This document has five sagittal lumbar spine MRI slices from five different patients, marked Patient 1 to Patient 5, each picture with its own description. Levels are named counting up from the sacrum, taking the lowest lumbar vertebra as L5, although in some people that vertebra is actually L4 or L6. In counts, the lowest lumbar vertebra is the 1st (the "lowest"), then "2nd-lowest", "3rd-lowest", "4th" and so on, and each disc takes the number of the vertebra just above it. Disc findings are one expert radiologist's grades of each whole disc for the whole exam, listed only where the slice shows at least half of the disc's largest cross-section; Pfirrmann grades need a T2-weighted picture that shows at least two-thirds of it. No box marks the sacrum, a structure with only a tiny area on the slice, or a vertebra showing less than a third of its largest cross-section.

Patient 1 of 5:
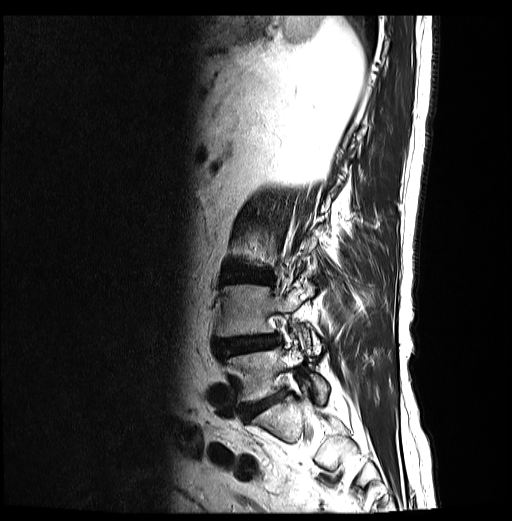
Slice 24/30; 512x521 px; MRI lumbar spine (T2-weighted), sagittal plane

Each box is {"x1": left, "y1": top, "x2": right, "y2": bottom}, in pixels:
3rd-lowest disc at {"x1": 222, "y1": 270, "x2": 271, "y2": 283}.
Lowest disc at {"x1": 243, "y1": 392, "x2": 284, "y2": 419}.
2nd-lowest vertebra at {"x1": 216, "y1": 284, "x2": 320, "y2": 354}.
Lowest vertebra at {"x1": 227, "y1": 341, "x2": 328, "y2": 404}.
2nd-lowest disc at {"x1": 215, "y1": 335, "x2": 281, "y2": 355}.

Expert MSK radiologist gradings (per disc):
- 2nd-lowest disc: Pfirrmann grade 4, lower-endplate change, upper-endplate change, disc bulging, spondylolisthesis, disc herniation, Modic type II, disc narrowing

Patient 2 of 5:
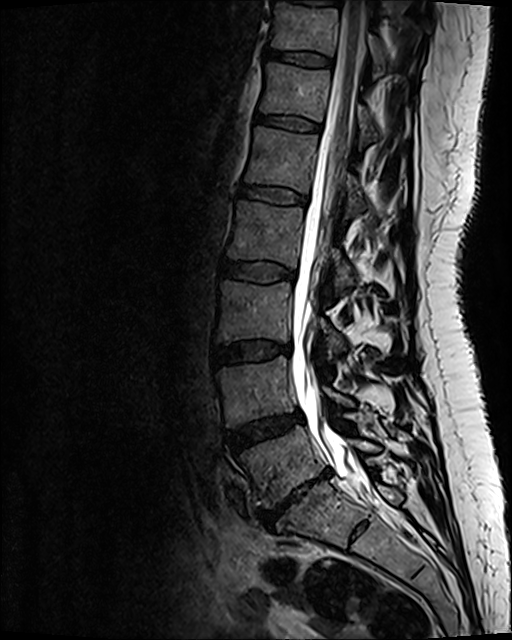 Lumbar spine MR, T2 SPACE (3D), sagittal; Field of view 240x300 mm; Slice 55 of 120

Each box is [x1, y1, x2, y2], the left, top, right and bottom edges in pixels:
Segmented structures:
• IVD L2/L3: [221, 260, 295, 282]
• L5 vertebra: [240, 425, 378, 507]
• T11: [272, 3, 385, 73]
• T12 vertebra: [261, 63, 377, 141]
• L1 vertebra: [246, 127, 364, 215]
• L1/L2: [239, 185, 306, 204]
• L3 vertebra: [217, 281, 344, 355]
• T11/T12: [266, 50, 331, 65]
• L2: [228, 202, 353, 292]
• IVD L4/L5: [227, 410, 301, 450]
• T12/L1: [257, 114, 320, 131]
• IVD L3/L4: [213, 341, 290, 365]
• L4: [218, 356, 352, 425]
• spinal canal: [290, 1, 375, 499]
• L5/S1: [257, 470, 330, 526]

Expert MSK radiologist gradings (per disc):
  L4/L5: Pfirrmann grade 3, disc bulging
  T12/L1: Pfirrmann grade 2
  L1/L2: Pfirrmann grade 2
  T11/T12: Pfirrmann grade 2
  L3/L4: Pfirrmann grade 2, disc bulging
  L2/L3: Pfirrmann grade 2
  L5/S1: Pfirrmann grade 5, Modic type III, upper-endplate change, disc bulging, lower-endplate change, disc herniation, disc narrowing

Patient 3 of 5:
Philips Healthcare Ingenia (3T) | T1-weighted sagittal MRI of the lumbar spine

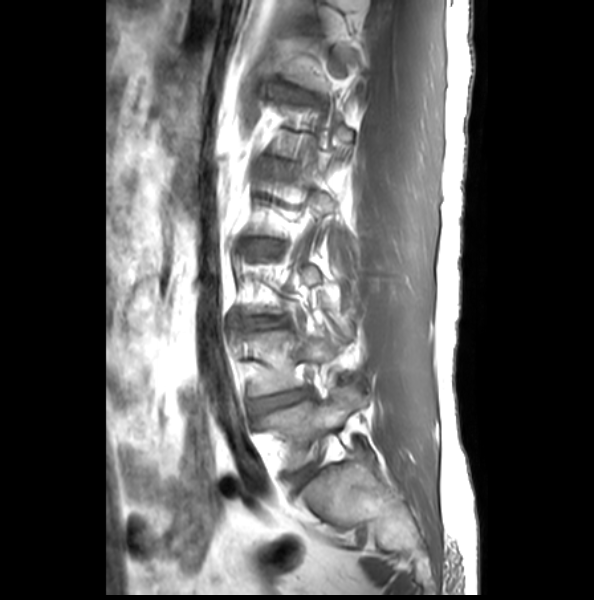
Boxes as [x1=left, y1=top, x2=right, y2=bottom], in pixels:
Intervertebral disc L4/L5: [x1=251, y1=389, x2=312, y2=413].
L5 vertebra: [x1=257, y1=386, x2=370, y2=469].
Intervertebral disc L3/L4: [x1=252, y1=317, x2=288, y2=327].
Intervertebral disc L5/S1: [x1=289, y1=464, x2=317, y2=489].
Intervertebral disc L2/L3: [x1=252, y1=240, x2=283, y2=254].

Radiological gradings:
- L4/L5: disc narrowing, lower-endplate change, disc bulging

Patient 4 of 5:
512x512 px, Lumbar spine MR, T1-weighted, sagittal, Slice 8/17, Slice spacing 3.3 mm 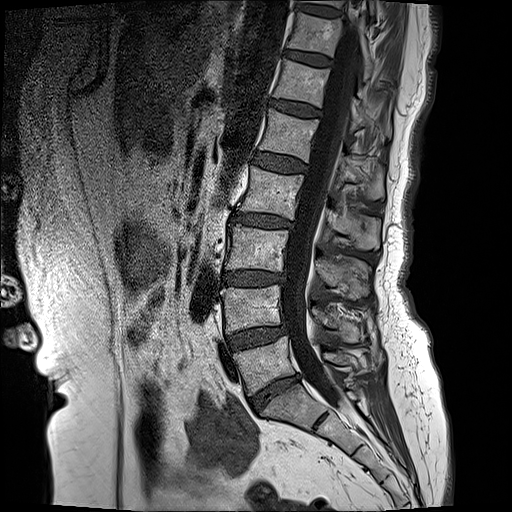 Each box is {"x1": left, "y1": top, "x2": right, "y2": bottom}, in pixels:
L5 vertebra: {"x1": 234, "y1": 337, "x2": 370, "y2": 395}
intervertebral disc T11/T12: {"x1": 286, "y1": 51, "x2": 332, "y2": 65}
intervertebral disc T10/T11: {"x1": 298, "y1": 3, "x2": 340, "y2": 16}
T11: {"x1": 287, "y1": 13, "x2": 374, "y2": 80}
spinal canal: {"x1": 283, "y1": 13, "x2": 358, "y2": 405}
L1: {"x1": 259, "y1": 109, "x2": 383, "y2": 200}
intervertebral disc L2/L3: {"x1": 231, "y1": 211, "x2": 290, "y2": 226}
L2: {"x1": 239, "y1": 166, "x2": 380, "y2": 249}
intervertebral disc L1/L2: {"x1": 252, "y1": 153, "x2": 306, "y2": 172}
intervertebral disc L3/L4: {"x1": 221, "y1": 271, "x2": 283, "y2": 284}
L5/S1: {"x1": 250, "y1": 376, "x2": 298, "y2": 412}
intervertebral disc L4/L5: {"x1": 227, "y1": 325, "x2": 286, "y2": 349}
intervertebral disc T12/L1: {"x1": 269, "y1": 99, "x2": 320, "y2": 117}
L3 vertebra: {"x1": 226, "y1": 225, "x2": 370, "y2": 300}
L4: {"x1": 221, "y1": 285, "x2": 362, "y2": 341}
T12 vertebra: {"x1": 273, "y1": 58, "x2": 391, "y2": 138}

Radiological gradings:
• L3/L4: Modic type II, disc bulging, lower-endplate change, upper-endplate change, disc narrowing
• L4/L5: disc bulging
• L2/L3: disc bulging, Modic type II, lower-endplate change, upper-endplate change, disc narrowing
• L5/S1: disc narrowing, disc bulging
• T12/L1: disc bulging
• L1/L2, T11/T12, T10/T11: no herniation, bulging, narrowing, spondylolisthesis, endplate or Modic change recorded

Patient 5 of 5:
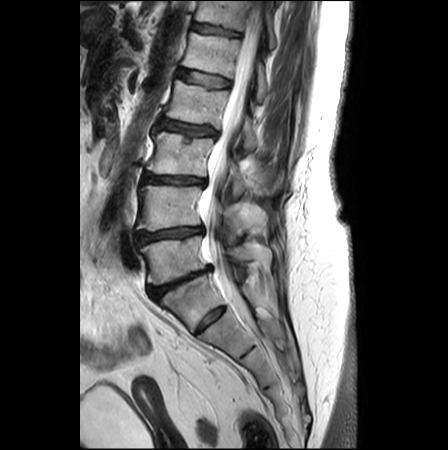 Image 448x450, Slice spacing 3.3 mm, Lumbar spine MR, T2-weighted, sagittal
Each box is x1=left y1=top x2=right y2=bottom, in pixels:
T12 at x1=195 y1=1 x2=275 y2=48, L4/L5 at x1=136 y1=226 x2=202 y2=244, L3/L4 at x1=143 y1=173 x2=204 y2=185, L1 at x1=182 y1=32 x2=269 y2=102, L3 vertebra at x1=146 y1=131 x2=282 y2=199, L4 vertebra at x1=137 y1=186 x2=248 y2=235, thecal sac / spinal canal at x1=202 y1=5 x2=261 y2=319, intervertebral disc T12/L1 at x1=192 y1=23 x2=239 y2=36, L2/L3 at x1=156 y1=119 x2=216 y2=136, intervertebral disc L5/S1 at x1=148 y1=265 x2=211 y2=299, L2 at x1=166 y1=80 x2=257 y2=152, L5 at x1=140 y1=235 x2=272 y2=284, L1/L2 at x1=179 y1=69 x2=230 y2=87.

Per-level radiological findings:
• L1/L2: Pfirrmann grade 1
• L4/L5: Pfirrmann grade 3, disc bulging, Modic type II, lower-endplate change, disc narrowing, upper-endplate change
• L2/L3: Pfirrmann grade 2, disc bulging, upper-endplate change, lower-endplate change, Modic type II, disc narrowing
• T12/L1: Pfirrmann grade 2, lower-endplate change
• L5/S1: Pfirrmann grade 5, disc narrowing, upper-endplate change, Modic type II, lower-endplate change, disc bulging
• L3/L4: Pfirrmann grade 3, upper-endplate change, lower-endplate change, disc bulging, Modic type II, disc narrowing